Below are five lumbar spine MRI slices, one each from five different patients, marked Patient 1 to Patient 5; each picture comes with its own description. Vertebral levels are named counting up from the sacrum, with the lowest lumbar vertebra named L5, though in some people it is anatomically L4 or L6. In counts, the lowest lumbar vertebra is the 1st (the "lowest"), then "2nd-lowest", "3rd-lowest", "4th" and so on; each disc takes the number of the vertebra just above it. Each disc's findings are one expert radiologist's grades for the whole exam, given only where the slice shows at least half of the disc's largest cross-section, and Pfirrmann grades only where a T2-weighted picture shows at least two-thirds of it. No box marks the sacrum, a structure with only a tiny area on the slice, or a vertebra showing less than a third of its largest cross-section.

Patient 1 of 5:
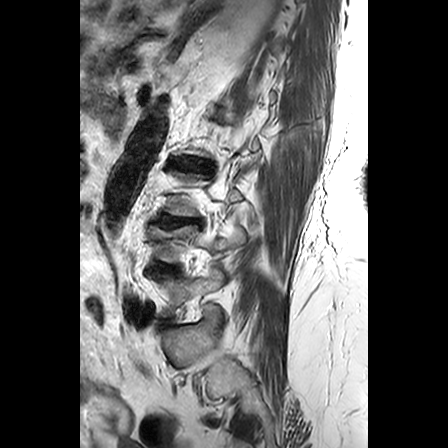

Lumbar spine MR, T2-weighted, sagittal, 448x448 px
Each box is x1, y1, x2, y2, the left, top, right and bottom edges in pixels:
IVD L3/L4 (3rd-lowest disc) at 157, 215, 199, 227.
L2/L3 (4th disc) at 172, 158, 206, 169.
L4/L5 (2nd-lowest disc) at 154, 262, 171, 270.
L4 (2nd-lowest vertebra) at 149, 225, 244, 262.
L5 (lowest vertebra) at 153, 267, 224, 316.

Patient 2 of 5:
Sagittal T2 SPACE (3D) lumbar spine MRI | Image 512x640
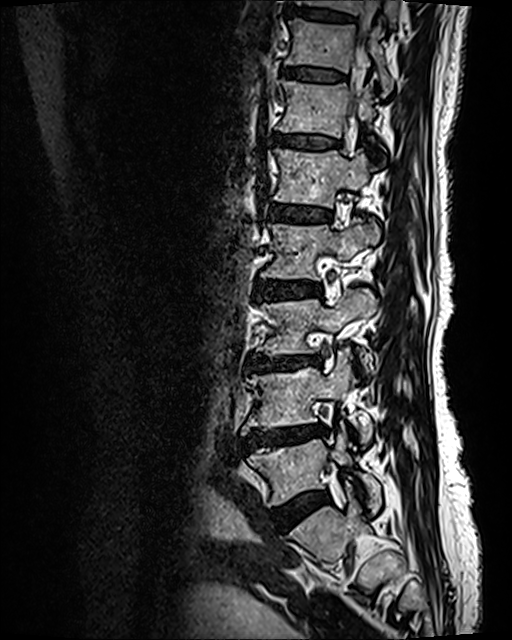

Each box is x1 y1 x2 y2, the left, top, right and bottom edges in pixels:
lowest vertebra: 248 429 381 512 | 7th disc: 282 69 343 80 | 6th disc: 275 133 337 148 | lowest disc: 278 491 328 525 | 4th vertebra: 260 218 378 279 | 8th disc: 288 7 352 20 | 2nd-lowest vertebra: 241 352 372 444 | 4th disc: 256 279 320 299 | 3rd-lowest disc: 247 354 320 369 | 5th disc: 269 205 330 221 | 3rd-lowest vertebra: 260 288 375 375 | thecal sac / spinal canal: 351 0 381 123 | 7th vertebra: 285 19 393 95 | 8th vertebra: 296 0 397 23 | 2nd-lowest disc: 244 426 327 447 | 6th vertebra: 276 80 375 137 | 5th vertebra: 273 147 375 208

Per-level radiological findings:
- 3rd-lowest disc: Modic type II, disc narrowing, disc bulging, upper-endplate change, lower-endplate change
- 6th disc: Pfirrmann grade 2, lower-endplate change, upper-endplate change, Modic type II
- 2nd-lowest disc: Pfirrmann grade 4, upper-endplate change, lower-endplate change, disc bulging, Modic type II, disc narrowing
- 5th disc: Pfirrmann grade 3, Modic type II, lower-endplate change, upper-endplate change
- 8th disc: Pfirrmann grade 2, lower-endplate change, upper-endplate change
- 7th disc: Pfirrmann grade 2, Modic type II, upper-endplate change, lower-endplate change
- lowest disc: disc bulging
- 4th disc: Pfirrmann grade 3, upper-endplate change, lower-endplate change, disc bulging, Modic type II

Patient 3 of 5:
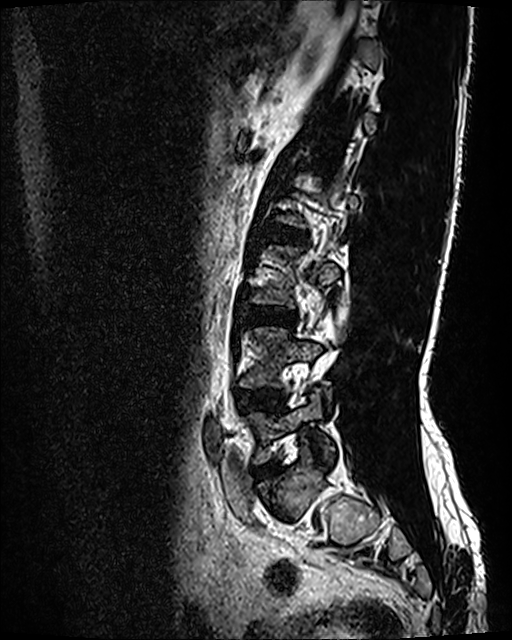
MRI lumbar spine (T2 SPACE (3D)), sagittal plane, Slice 31 of 120, Patient sex: M

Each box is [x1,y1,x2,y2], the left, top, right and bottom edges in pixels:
Intervertebral disc L2/L3 (4th disc) at [274,229,303,242], intervertebral disc L5/S1 (lowest disc) at [255,465,275,477], L4 (2nd-lowest vertebra) at [241,328,320,388], L5 (lowest vertebra) at [252,392,334,464], L3/L4 (3rd-lowest disc) at [250,307,293,323], L4/L5 (2nd-lowest disc) at [238,391,278,407].

Patient 4 of 5:
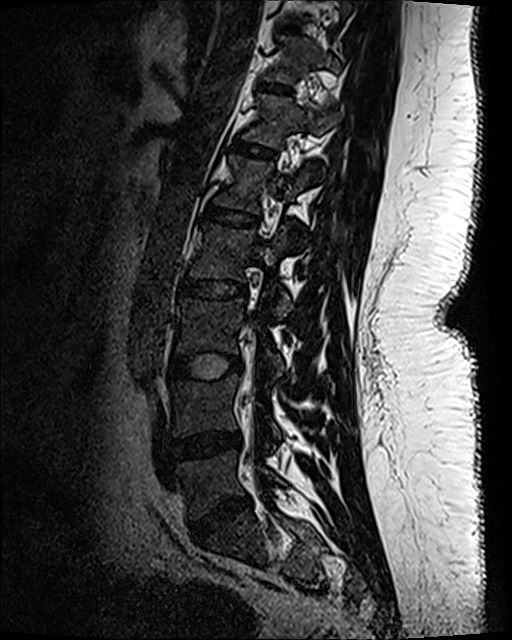 T2 SPACE (3D) sagittal MRI of the lumbar spine | Image 512x640
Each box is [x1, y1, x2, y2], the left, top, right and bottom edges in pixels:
L5/S1 (lowest disc) at [190, 497, 250, 538].
L5 (lowest vertebra) at [178, 451, 282, 518].
L4/L5 (2nd-lowest disc) at [172, 431, 240, 459].
T12 (6th vertebra) at [243, 94, 336, 147].
T12/L1 (6th disc) at [230, 138, 277, 161].
L1 (5th vertebra) at [214, 155, 315, 213].
L4 (2nd-lowest vertebra) at [170, 375, 281, 438].
L3 (3rd-lowest vertebra) at [177, 299, 284, 375].
L2 (4th vertebra) at [191, 222, 291, 315].
T11 (7th vertebra) at [264, 37, 340, 82].
T11/T12 (7th disc) at [257, 81, 291, 94].
Disc L1/L2 (5th disc) at [200, 203, 261, 228].
Disc L2/L3 (4th disc) at [179, 276, 248, 299].
L3/L4 (3rd-lowest disc) at [169, 353, 241, 380].
Disc T10/T11 (8th disc) at [282, 26, 299, 32].

Degenerative findings by level:
  L3/L4 (3rd-lowest disc): Pfirrmann grade 1
  L1/L2 (5th disc): Pfirrmann grade 1
  L5/S1 (lowest disc): Pfirrmann grade 4, disc narrowing, disc bulging
  L2/L3 (4th disc): Pfirrmann grade 1
  L4/L5 (2nd-lowest disc): Pfirrmann grade 3, disc bulging, disc narrowing
  T12/L1 (6th disc): no spondylolisthesis, narrowing, bulging, herniation, Modic or endplate change recorded

Patient 5 of 5:
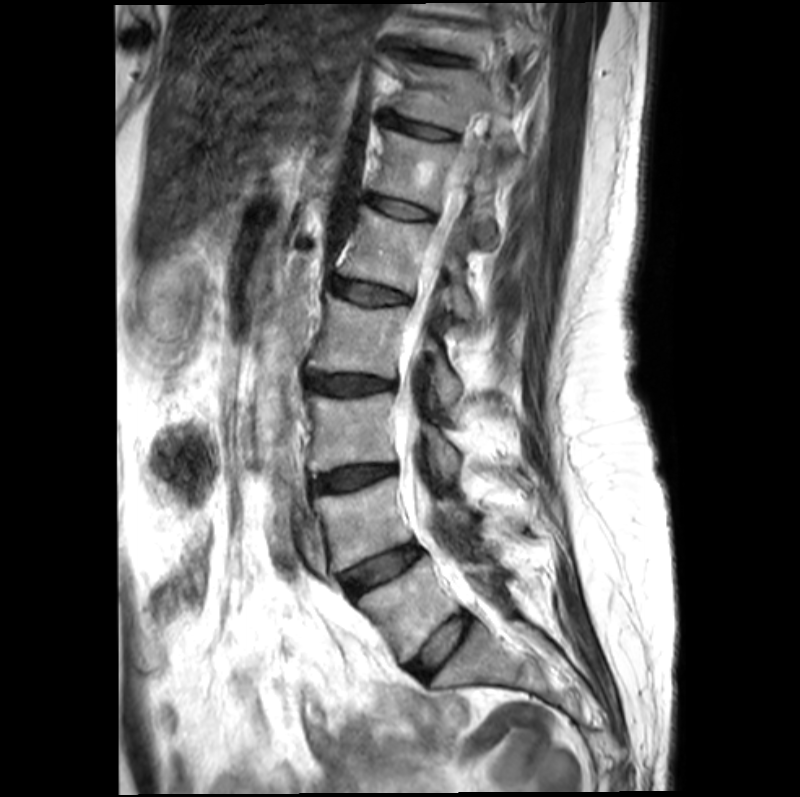 800x797 px; Sex F; Slice 9 of 21; MRI lumbar spine (T2-weighted), sagittal plane

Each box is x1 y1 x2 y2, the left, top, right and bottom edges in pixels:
4th disc: 302 370 391 394 | 6th disc: 364 192 431 219 | 2nd-lowest vertebra: 312 477 477 572 | 3rd-lowest disc: 309 464 396 491 | 4th vertebra: 307 295 461 408 | 7th vertebra: 395 62 516 151 | lowest disc: 408 613 469 678 | 2nd-lowest disc: 341 543 423 597 | 8th disc: 401 43 465 64 | thecal sac / spinal canal: 397 229 452 555 | 5th vertebra: 338 206 474 321 | 7th disc: 382 113 451 140 | 3rd-lowest vertebra: 306 392 457 482 | 5th disc: 328 277 405 304 | 6th vertebra: 369 130 516 243 | lowest vertebra: 358 556 501 662

Expert MSK radiologist gradings (per disc):
  lowest disc: Pfirrmann grade 2, Modic type II
  2nd-lowest disc: Pfirrmann grade 3, Modic type II
  4th disc: Pfirrmann grade 3, upper-endplate change, lower-endplate change, disc bulging, Modic type II
  8th disc: Pfirrmann grade 3
  3rd-lowest disc: Pfirrmann grade 3, lower-endplate change, disc narrowing, disc bulging, upper-endplate change, Modic type II
  5th disc: Pfirrmann grade 2, lower-endplate change, upper-endplate change, Modic type II
  7th disc: Pfirrmann grade 2
  6th disc: Pfirrmann grade 2, Modic type II